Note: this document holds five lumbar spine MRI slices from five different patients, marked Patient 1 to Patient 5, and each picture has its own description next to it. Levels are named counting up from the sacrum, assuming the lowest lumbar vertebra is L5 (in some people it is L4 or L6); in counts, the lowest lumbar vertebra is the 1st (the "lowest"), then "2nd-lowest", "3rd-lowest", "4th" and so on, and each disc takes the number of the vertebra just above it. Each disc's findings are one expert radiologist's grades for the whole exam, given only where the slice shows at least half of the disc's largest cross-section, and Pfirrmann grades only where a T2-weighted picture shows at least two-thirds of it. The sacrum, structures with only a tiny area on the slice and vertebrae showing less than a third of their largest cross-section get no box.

Patient 1 of 5:
Scanner: SIEMENS Aera (1.5T), Slice 9/15, T1-weighted sagittal MRI of the lumbar spine
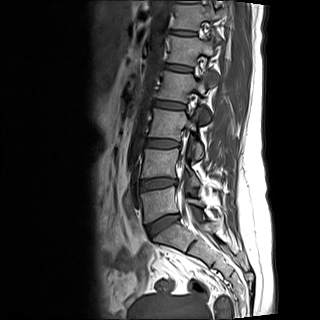
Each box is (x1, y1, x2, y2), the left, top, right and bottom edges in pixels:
• L1 vertebra: (167, 35, 213, 65)
• T12 vertebra: (172, 2, 226, 40)
• L2: (158, 71, 216, 123)
• disc L3/L4: (147, 139, 180, 147)
• T12/L1: (171, 30, 196, 35)
• spinal canal: (182, 153, 192, 212)
• L1/L2: (165, 64, 192, 71)
• L4: (141, 148, 199, 185)
• disc L5/S1: (146, 214, 179, 237)
• L2/L3: (155, 101, 185, 109)
• L4/L5: (141, 178, 176, 189)
• L5: (141, 186, 203, 223)
• L3 vertebra: (149, 108, 203, 159)

Per-level radiological findings:
• L5/S1: disc bulging
• L4/L5: Modic type II, disc bulging
• L1/L2, L3/L4, L2/L3, T12/L1: no Modic or endplate change, herniation, narrowing, bulging or spondylolisthesis recorded

Patient 2 of 5:
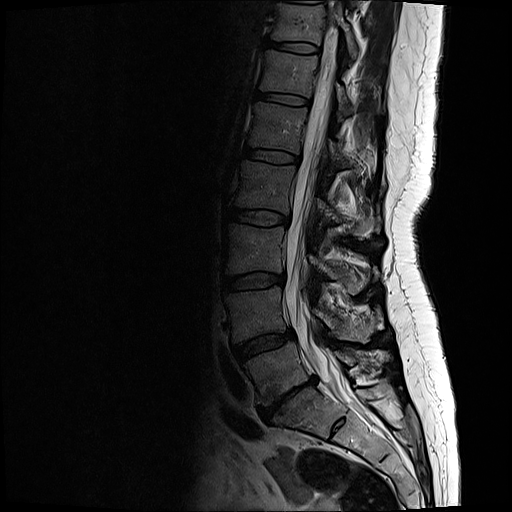
Sagittal T2-weighted lumbar spine MRI. Image 512x512. Slice 11/17.
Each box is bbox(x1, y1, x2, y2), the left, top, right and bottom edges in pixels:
4th disc = bbox(227, 208, 287, 224) | 3rd-lowest vertebra = bbox(225, 225, 358, 293) | 2nd-lowest vertebra = bbox(225, 286, 369, 341) | lowest vertebra = bbox(244, 341, 353, 406) | 7th disc = bbox(267, 40, 317, 50) | lowest disc = bbox(259, 378, 314, 419) | 6th vertebra = bbox(261, 50, 348, 113) | spinal canal = bbox(283, 34, 362, 405) | 4th vertebra = bbox(235, 162, 371, 238) | 5th vertebra = bbox(249, 102, 342, 170) | 5th disc = bbox(243, 147, 298, 163) | 6th disc = bbox(257, 91, 307, 105) | 3rd-lowest disc = bbox(221, 273, 282, 290) | 2nd-lowest disc = bbox(233, 330, 291, 361) | 7th vertebra = bbox(273, 5, 354, 54)

Radiological gradings:
- 3rd-lowest disc: Pfirrmann grade 2, disc bulging
- 7th disc: Pfirrmann grade 2
- lowest disc: lower-endplate change, disc narrowing, disc bulging, upper-endplate change, Modic type III, disc herniation
- 2nd-lowest disc: Pfirrmann grade 3, disc bulging
- 5th disc: Pfirrmann grade 2
- 6th disc: Pfirrmann grade 2
- 4th disc: Pfirrmann grade 2

Patient 3 of 5:
Patient sex: F; Sagittal T1-weighted lumbar spine MRI 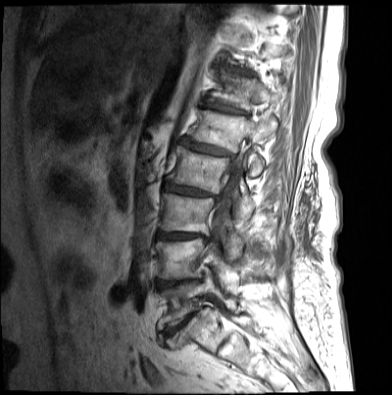 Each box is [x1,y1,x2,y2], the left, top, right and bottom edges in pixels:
L5/S1 — [162,313,195,336].
L2/L3 — [163,181,219,198].
T12 — [208,72,280,109].
L5 — [158,274,222,329].
L2 vertebra — [167,146,255,218].
L3 — [159,193,244,256].
Thecal sac / spinal canal — [214,160,242,231].
IVD T12/L1 — [203,101,246,114].
IVD L4/L5 — [156,279,200,289].
L1 — [188,110,277,176].
L3/L4 — [157,231,208,240].
L1/L2 — [180,137,233,157].
L4 vertebra — [156,237,235,284].

Degenerative findings by level:
• L3/L4: upper-endplate change, disc bulging, lower-endplate change, disc narrowing, Modic type II
• T12/L1: upper-endplate change, Modic type II, disc narrowing, disc bulging, lower-endplate change
• L1/L2: upper-endplate change, lower-endplate change, disc narrowing, Modic type II, disc bulging
• L2/L3: disc narrowing, Modic type II, disc bulging, lower-endplate change, disc herniation, upper-endplate change

Patient 4 of 5:
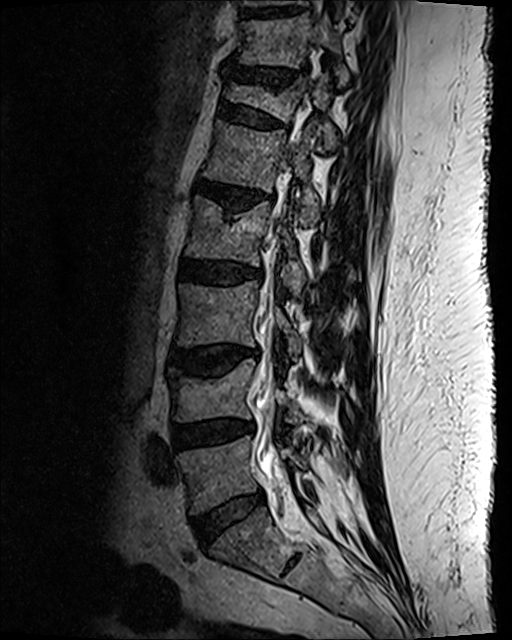
T2 SPACE (3D) sagittal MRI of the lumbar spine | Image 512x640 | Field of view 240x300 mm
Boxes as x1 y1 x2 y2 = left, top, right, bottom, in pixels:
6th disc: 220 104 284 130.
8th disc: 243 10 299 18.
6th vertebra: 226 74 337 149.
5th vertebra: 204 121 319 227.
3rd-lowest disc: 171 346 258 374.
3rd-lowest vertebra: 178 281 301 361.
Lowest disc: 193 491 264 544.
2nd-lowest disc: 173 421 248 447.
4th vertebra: 186 197 305 295.
4th disc: 180 260 262 285.
7th vertebra: 240 14 348 84.
7th disc: 229 67 306 90.
2nd-lowest vertebra: 169 359 304 423.
5th disc: 196 181 260 212.
Spinal canal: 256 143 293 507.
Lowest vertebra: 179 436 302 514.

Radiological gradings:
• 7th disc: Pfirrmann grade 2, disc bulging, upper-endplate change, disc narrowing, lower-endplate change
• lowest disc: Pfirrmann grade 2, disc bulging
• 5th disc: Pfirrmann grade 3, disc bulging, disc narrowing, lower-endplate change, Modic type II, upper-endplate change
• 6th disc: Pfirrmann grade 2, spondylolisthesis, upper-endplate change, disc bulging, lower-endplate change
• 2nd-lowest disc: Pfirrmann grade 3, disc bulging, disc narrowing
• 4th disc: Pfirrmann grade 3, lower-endplate change, disc bulging
• 3rd-lowest disc: Pfirrmann grade 3, disc bulging, Modic type II, lower-endplate change, upper-endplate change

Patient 5 of 5:
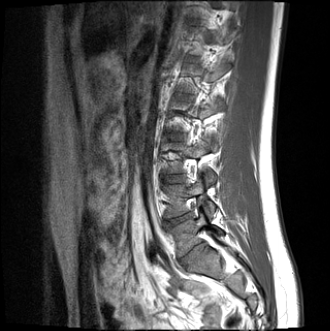
Sagittal T1-weighted lumbar spine MRI. Image 330x331. Field of view 300x301 mm.

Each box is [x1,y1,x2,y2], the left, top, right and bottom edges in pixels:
L4 at [164,178,215,218], IVD L4/L5 at [166,213,192,226], L3 vertebra at [168,138,217,182], L5 vertebra at [169,213,223,256], IVD L3/L4 at [165,175,181,182], IVD L2/L3 at [170,134,181,140], IVD L5/S1 at [181,243,205,266].

Per-level radiological findings:
• L5/S1: disc bulging